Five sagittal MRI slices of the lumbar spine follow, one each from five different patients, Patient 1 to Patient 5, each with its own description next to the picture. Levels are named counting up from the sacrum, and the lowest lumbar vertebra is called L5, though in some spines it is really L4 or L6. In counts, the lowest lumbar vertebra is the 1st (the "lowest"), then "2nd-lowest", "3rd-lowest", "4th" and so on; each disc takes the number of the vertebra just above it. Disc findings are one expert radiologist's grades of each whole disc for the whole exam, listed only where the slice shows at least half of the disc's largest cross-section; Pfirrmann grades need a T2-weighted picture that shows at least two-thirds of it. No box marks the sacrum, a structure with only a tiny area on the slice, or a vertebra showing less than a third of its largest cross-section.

Patient 1 of 5:
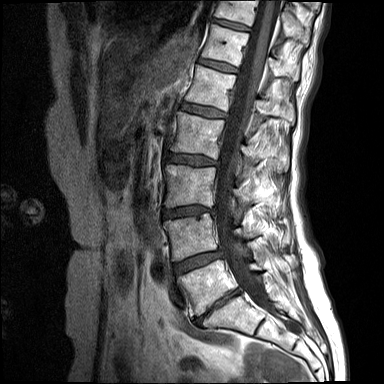

Lumbar spine MR, T1-weighted, sagittal | Sex F | 384x384 px
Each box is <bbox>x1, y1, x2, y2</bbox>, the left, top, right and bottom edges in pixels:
L3/L4 at <bbox>164, 206, 214, 217</bbox>, disc L1/L2 at <bbox>182, 103, 226, 117</bbox>, spinal canal at <bbox>216, 0, 280, 317</bbox>, T11 at <bbox>215, 0, 309, 43</bbox>, T12 at <bbox>202, 24, 298, 79</bbox>, L5/S1 at <bbox>196, 290, 238, 322</bbox>, L3 at <bbox>165, 165, 285, 210</bbox>, L1 vertebra at <bbox>186, 65, 294, 123</bbox>, L5 vertebra at <bbox>178, 259, 263, 315</bbox>, L4/L5 at <bbox>173, 251, 222, 274</bbox>, T12/L1 at <bbox>200, 58, 237, 72</bbox>, L2 vertebra at <bbox>171, 112, 288, 177</bbox>, disc T11/T12 at <bbox>213, 19, 250, 30</bbox>, L4 at <bbox>164, 213, 289, 260</bbox>, disc L2/L3 at <bbox>169, 154, 217, 164</bbox>.

Radiological gradings:
- L1/L2: Modic type II
- L4/L5: Modic type II, disc bulging
- L2/L3: upper-endplate change, disc bulging, Modic type II
- L5/S1: lower-endplate change, Modic type II, disc bulging, disc narrowing, upper-endplate change
- L3/L4: disc narrowing, Modic type II, disc bulging
- T11/T12, T12/L1: no Modic or endplate change, herniation, narrowing, bulging or spondylolisthesis recorded

Patient 2 of 5:
Sagittal T2-weighted lumbar spine MRI | Slice spacing 3.3 mm | Image 448x452

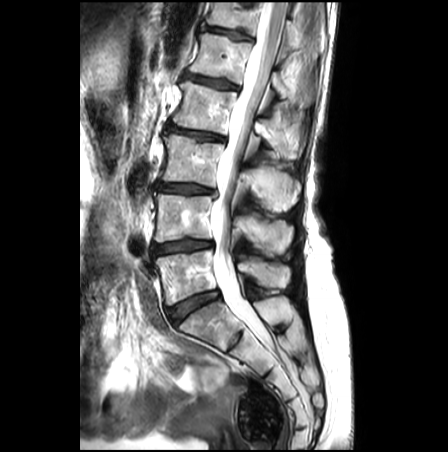
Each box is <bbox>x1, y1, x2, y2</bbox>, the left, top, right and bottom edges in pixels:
{"5th vertebra": "<bbox>189, 33, 295, 101</bbox>", "6th vertebra": "<bbox>206, 2, 299, 50</bbox>", "lowest vertebra": "<bbox>156, 250, 291, 305</bbox>", "3rd-lowest vertebra": "<bbox>161, 133, 300, 210</bbox>", "2nd-lowest vertebra": "<bbox>154, 192, 293, 254</bbox>", "lowest disc": "<bbox>167, 291, 218, 324</bbox>", "6th disc": "<bbox>203, 26, 250, 39</bbox>", "4th disc": "<bbox>167, 125, 225, 141</bbox>", "2nd-lowest disc": "<bbox>152, 239, 212, 254</bbox>", "spinal canal": "<bbox>210, 2, 286, 328</bbox>", "5th disc": "<bbox>186, 74, 237, 89</bbox>", "3rd-lowest disc": "<bbox>156, 182, 213, 193</bbox>", "4th vertebra": "<bbox>173, 80, 297, 156</bbox>"}

Per-level radiological findings:
- 4th disc: Pfirrmann grade 3, lower-endplate change, disc bulging, Modic type II, disc narrowing, upper-endplate change
- lowest disc: Pfirrmann grade 3
- 2nd-lowest disc: Pfirrmann grade 3, upper-endplate change, Modic type II, disc bulging, disc narrowing, lower-endplate change
- 6th disc: Pfirrmann grade 3, lower-endplate change, upper-endplate change
- 3rd-lowest disc: Pfirrmann grade 3, disc narrowing, disc bulging, Modic type II, lower-endplate change, upper-endplate change
- 5th disc: Pfirrmann grade 3, lower-endplate change, upper-endplate change, disc bulging

Patient 3 of 5:
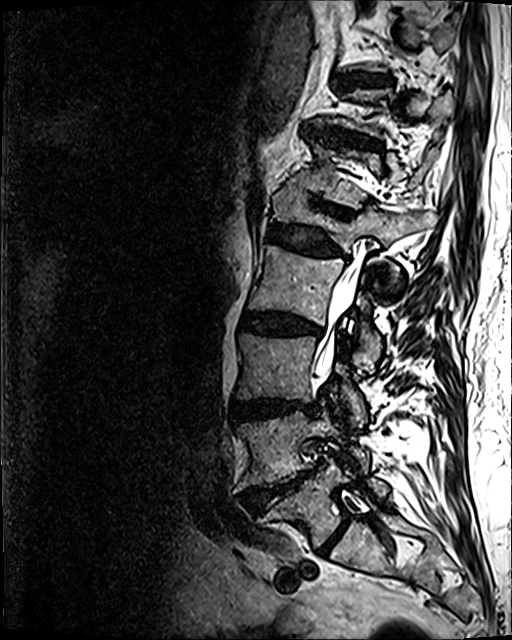 Sagittal slice index 45. MRI lumbar spine (T2 SPACE (3D)), sagittal plane.
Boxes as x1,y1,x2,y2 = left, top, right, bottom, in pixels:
disc T11/T12 — 306,127,381,149 | L4 vertebra — 237,409,368,488 | L3 — 236,333,366,424 | L2 — 248,244,398,372 | T12 — 293,139,437,208 | spinal canal — 314,262,359,377 | L5 vertebra — 270,460,387,546 | L2/L3 — 241,312,321,335 | T10/T11 — 343,74,391,85 | disc L3/L4 — 233,401,315,420 | disc L4/L5 — 244,468,315,513 | T12/L1 — 315,201,352,218 | L1 vertebra — 271,181,436,251 | L5/S1 — 317,516,350,555 | L1/L2 — 267,224,343,256

Degenerative findings by level:
  L3/L4: Pfirrmann grade 4, disc bulging, upper-endplate change, disc narrowing, lower-endplate change
  L2/L3: Pfirrmann grade 4, disc narrowing, Modic type II, lower-endplate change, disc bulging, upper-endplate change
  L4/L5: Pfirrmann grade 5, Modic type II, disc narrowing, upper-endplate change, disc herniation, lower-endplate change, disc bulging
  L1/L2: Pfirrmann grade 4, upper-endplate change, disc bulging, lower-endplate change, disc narrowing
  T11/T12: Pfirrmann grade 4, disc narrowing, lower-endplate change, upper-endplate change, disc bulging

Patient 4 of 5:
Sagittal slice index 33. Field of view 240x300 mm, slice spacing 0.9 mm. Sagittal T2 SPACE (3D) lumbar spine MRI.

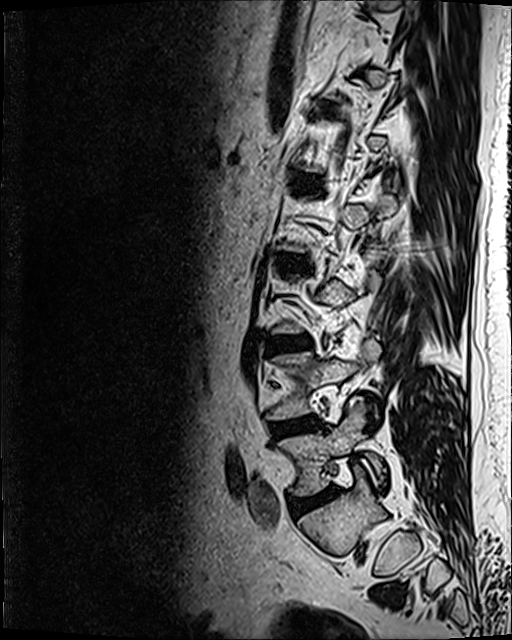
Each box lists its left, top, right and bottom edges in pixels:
6th disc: left=320, top=103, right=331, bottom=108.
2nd-lowest vertebra: left=268, top=338, right=380, bottom=419.
4th disc: left=280, top=256, right=305, bottom=268.
2nd-lowest disc: left=272, top=416, right=318, bottom=436.
Lowest disc: left=292, top=488, right=339, bottom=514.
5th disc: left=295, top=175, right=322, bottom=191.
Lowest vertebra: left=280, top=396, right=384, bottom=496.
3rd-lowest disc: left=269, top=337, right=306, bottom=351.

Patient 5 of 5:
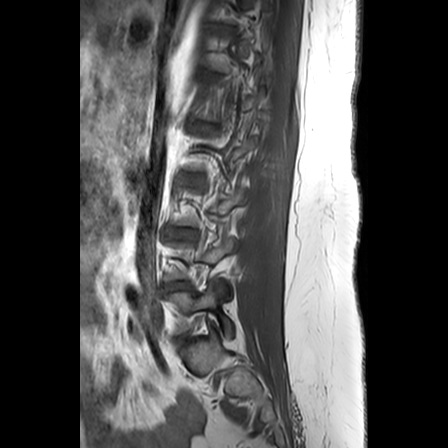 Slice spacing 3.3 mm; MRI lumbar spine (T1-weighted), sagittal plane

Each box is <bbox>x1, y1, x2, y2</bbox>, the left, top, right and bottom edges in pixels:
4th disc at <bbox>179, 174, 204, 184</bbox>, 2nd-lowest disc at <bbox>165, 281, 187, 289</bbox>, lowest disc at <bbox>177, 336, 187, 343</bbox>, 3rd-lowest disc at <bbox>168, 229, 197, 238</bbox>, lowest vertebra at <bbox>166, 282, 234, 335</bbox>.